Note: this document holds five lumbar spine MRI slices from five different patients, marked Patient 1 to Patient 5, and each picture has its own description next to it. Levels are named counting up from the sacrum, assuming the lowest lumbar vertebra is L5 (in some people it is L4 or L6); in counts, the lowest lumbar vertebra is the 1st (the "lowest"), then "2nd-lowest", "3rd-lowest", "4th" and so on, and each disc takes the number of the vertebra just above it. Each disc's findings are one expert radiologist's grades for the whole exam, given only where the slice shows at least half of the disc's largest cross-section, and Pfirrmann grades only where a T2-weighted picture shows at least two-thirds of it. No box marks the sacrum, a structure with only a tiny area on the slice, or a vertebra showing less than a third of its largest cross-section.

Patient 1 of 5:
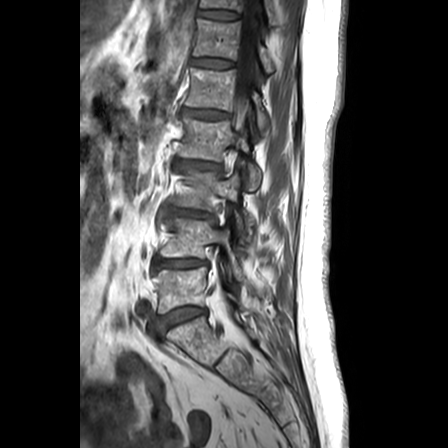 MRI lumbar spine (T1-weighted), sagittal plane | Slice 17/24 | Patient sex: F

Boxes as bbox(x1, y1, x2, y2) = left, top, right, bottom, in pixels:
L1 vertebra at bbox(186, 68, 269, 130); L4/L5 at bbox(154, 258, 207, 271); intervertebral disc L2/L3 at bbox(175, 159, 219, 169); L1/L2 at bbox(182, 108, 230, 119); T12/L1 at bbox(193, 58, 234, 68); T11/T12 at bbox(198, 9, 239, 19); T11 vertebra at bbox(200, 0, 279, 25); L2 vertebra at bbox(178, 118, 261, 189); L5/S1 at bbox(158, 306, 205, 329); intervertebral disc L3/L4 at bbox(168, 208, 211, 217); spinal canal at bbox(237, 0, 258, 108); L5 vertebra at bbox(153, 267, 242, 313); L4 vertebra at bbox(161, 218, 244, 279); L3 vertebra at bbox(172, 170, 252, 238); T12 at bbox(194, 19, 275, 72).

Per-level radiological findings:
• L4/L5: Modic type II, disc bulging, lower-endplate change, upper-endplate change
• L5/S1: Modic type II, upper-endplate change, lower-endplate change
• L2/L3: upper-endplate change, disc narrowing, lower-endplate change, Modic type II, disc bulging
• L1/L2: disc bulging, disc narrowing
• T12/L1, T11/T12: no herniation, bulging, narrowing, spondylolisthesis, endplate or Modic change recorded

Patient 2 of 5:
548x553 px; Slice 16 of 27; Lumbar spine MR, T1-weighted, sagittal; Philips Healthcare Ingenia (3T)
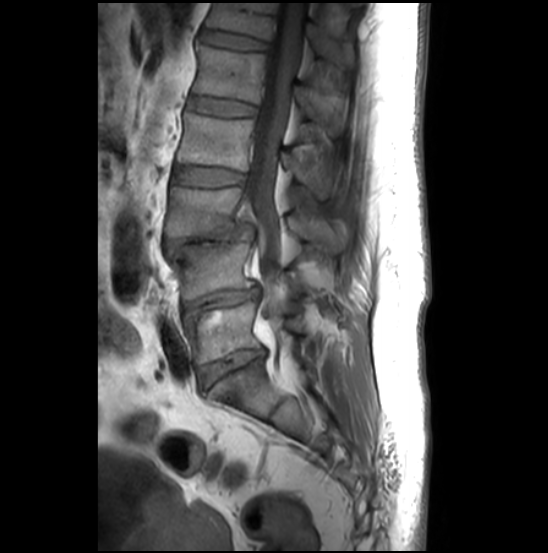 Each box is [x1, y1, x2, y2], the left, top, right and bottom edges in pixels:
2nd-lowest vertebra: [170, 242, 307, 300].
6th disc: [201, 30, 268, 49].
2nd-lowest disc: [184, 287, 260, 310].
6th vertebra: [206, 3, 354, 64].
3rd-lowest vertebra: [166, 185, 344, 252].
5th vertebra: [193, 44, 347, 129].
Thecal sac / spinal canal: [246, 3, 305, 350].
4th vertebra: [177, 113, 334, 198].
5th disc: [189, 96, 256, 116].
3rd-lowest disc: [164, 224, 255, 252].
4th disc: [175, 167, 245, 186].
Lowest disc: [200, 349, 263, 388].
Lowest vertebra: [185, 300, 303, 364].

Degenerative findings by level:
• 3rd-lowest disc: disc herniation, disc narrowing, Modic type II, upper-endplate change, spondylolisthesis, lower-endplate change
• lowest disc: disc bulging, upper-endplate change, lower-endplate change, disc narrowing, Modic type II
• 2nd-lowest disc: Modic type II, lower-endplate change, disc narrowing, disc bulging, upper-endplate change
• 5th disc, 4th disc, 6th disc: no Modic or endplate change, herniation, narrowing, bulging or spondylolisthesis recorded

Patient 3 of 5:
Lumbar spine MR, T2-weighted, sagittal | Slice 5 of 15 | Scanner: SIEMENS Avanto_fit (1.5T)
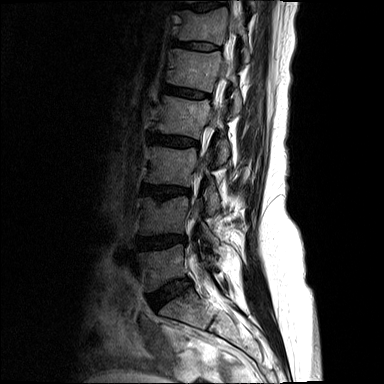 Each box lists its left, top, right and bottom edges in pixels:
2nd-lowest vertebra — left=140, top=196, right=219, bottom=248.
6th disc — left=175, top=41, right=216, bottom=50.
3rd-lowest disc — left=141, top=184, right=188, bottom=199.
6th vertebra — left=178, top=8, right=250, bottom=63.
5th disc — left=163, top=85, right=207, bottom=98.
4th vertebra — left=152, top=96, right=229, bottom=163.
7th disc — left=181, top=3, right=221, bottom=11.
4th disc — left=150, top=134, right=197, bottom=146.
Lowest disc — left=149, top=279, right=190, bottom=308.
5th vertebra — left=168, top=49, right=241, bottom=115.
3rd-lowest vertebra — left=146, top=147, right=220, bottom=214.
Lowest vertebra — left=137, top=244, right=215, bottom=291.
2nd-lowest disc — left=137, top=235, right=184, bottom=249.
7th vertebra — left=249, top=0, right=255, bottom=10.

Degenerative findings by level:
  3rd-lowest disc: Pfirrmann grade 3, lower-endplate change, disc narrowing, upper-endplate change, disc bulging
  5th disc: Pfirrmann grade 2
  4th disc: Pfirrmann grade 3, upper-endplate change, disc bulging, lower-endplate change
  2nd-lowest disc: Pfirrmann grade 3, disc bulging
  lowest disc: Pfirrmann grade 3, disc bulging
  7th disc: Pfirrmann grade 3, upper-endplate change, lower-endplate change
  6th disc: Pfirrmann grade 2

Patient 4 of 5:
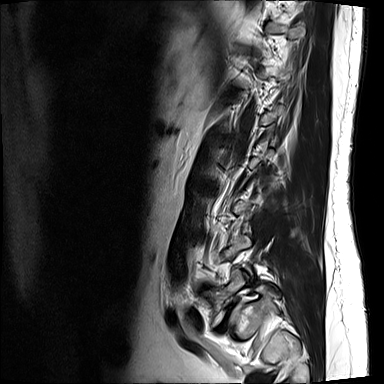
Lumbar spine MR, T2-weighted, sagittal, Sagittal slice index 12

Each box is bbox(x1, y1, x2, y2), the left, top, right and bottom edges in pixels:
L5 vertebra: bbox(208, 266, 245, 326).
L5/S1: bbox(216, 299, 237, 332).

Patient 5 of 5:
Lumbar spine MR, T1-weighted, sagittal, Slice 11/15, Sex F

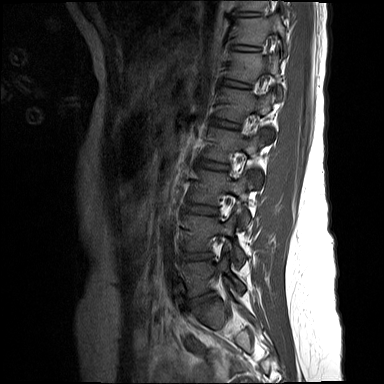 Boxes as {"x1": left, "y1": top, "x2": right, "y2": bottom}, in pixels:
T11/T12 (7th disc) = {"x1": 232, "y1": 45, "x2": 259, "y2": 51} | T10 (8th vertebra) = {"x1": 238, "y1": 0, "x2": 287, "y2": 10} | L2 (4th vertebra) = {"x1": 203, "y1": 127, "x2": 262, "y2": 188} | T12 (6th vertebra) = {"x1": 226, "y1": 52, "x2": 282, "y2": 100} | L4 (2nd-lowest vertebra) = {"x1": 184, "y1": 215, "x2": 245, "y2": 269} | T11 (7th vertebra) = {"x1": 233, "y1": 16, "x2": 287, "y2": 56} | T10/T11 (8th disc) = {"x1": 239, "y1": 12, "x2": 261, "y2": 16} | disc L1/L2 (5th disc) = {"x1": 212, "y1": 119, "x2": 239, "y2": 128} | thecal sac / spinal canal = {"x1": 261, "y1": 55, "x2": 270, "y2": 91} | disc L3/L4 (3rd-lowest disc) = {"x1": 186, "y1": 205, "x2": 217, "y2": 214} | disc L5/S1 (lowest disc) = {"x1": 187, "y1": 293, "x2": 212, "y2": 307} | L5 (lowest vertebra) = {"x1": 182, "y1": 257, "x2": 244, "y2": 296} | L3 (3rd-lowest vertebra) = {"x1": 191, "y1": 169, "x2": 250, "y2": 227} | L1 (5th vertebra) = {"x1": 217, "y1": 87, "x2": 274, "y2": 143} | T12/L1 (6th disc) = {"x1": 223, "y1": 80, "x2": 251, "y2": 88} | disc L2/L3 (4th disc) = {"x1": 197, "y1": 159, "x2": 228, "y2": 169} | disc L4/L5 (2nd-lowest disc) = {"x1": 183, "y1": 252, "x2": 211, "y2": 260}

Expert MSK radiologist gradings (per disc):
- L1/L2 (5th disc), L2/L3 (4th disc), T10/T11 (8th disc), T11/T12 (7th disc), T12/L1 (6th disc), L3/L4 (3rd-lowest disc): no Modic or endplate change, herniation, narrowing, bulging or spondylolisthesis recorded